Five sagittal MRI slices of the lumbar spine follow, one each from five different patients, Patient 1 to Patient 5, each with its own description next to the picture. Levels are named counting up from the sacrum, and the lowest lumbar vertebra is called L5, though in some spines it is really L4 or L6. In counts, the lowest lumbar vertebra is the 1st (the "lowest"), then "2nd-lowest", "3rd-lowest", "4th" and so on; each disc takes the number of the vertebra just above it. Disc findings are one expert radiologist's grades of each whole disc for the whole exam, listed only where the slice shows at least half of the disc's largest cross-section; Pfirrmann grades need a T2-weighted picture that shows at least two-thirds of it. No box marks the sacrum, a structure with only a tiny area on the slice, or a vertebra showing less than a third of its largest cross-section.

Patient 1 of 5:
Sagittal slice index 8. Sagittal T1-weighted lumbar spine MRI.
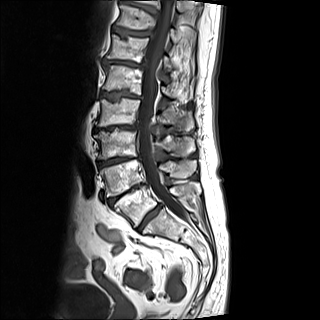 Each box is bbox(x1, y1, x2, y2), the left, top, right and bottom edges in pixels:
8th vertebra: bbox(133, 0, 185, 13)
8th disc: bbox(121, 0, 157, 12)
2nd-lowest vertebra: bbox(100, 159, 196, 196)
5th disc: bbox(101, 90, 142, 101)
lowest vertebra: bbox(114, 181, 200, 227)
6th disc: bbox(103, 59, 145, 68)
lowest disc: bbox(136, 203, 163, 231)
4th vertebra: bbox(95, 98, 194, 130)
spinal canal: bbox(139, 0, 186, 218)
6th vertebra: bbox(106, 34, 194, 71)
5th vertebra: bbox(102, 64, 191, 98)
3rd-lowest vertebra: bbox(94, 128, 195, 159)
7th disc: bbox(113, 26, 149, 37)
4th disc: bbox(93, 124, 138, 132)
2nd-lowest disc: bbox(108, 184, 147, 202)
3rd-lowest disc: bbox(97, 157, 138, 167)
7th vertebra: bbox(116, 2, 179, 42)

Degenerative findings by level:
  4th disc: Modic type II, disc narrowing, upper-endplate change, lower-endplate change, disc bulging
  5th disc: disc bulging, lower-endplate change, upper-endplate change, Modic type II, disc narrowing
  8th disc: disc bulging
  7th disc: lower-endplate change, Modic type II, disc bulging, upper-endplate change
  lowest disc: upper-endplate change, Modic type II, lower-endplate change, disc bulging, disc narrowing
  6th disc: disc bulging, upper-endplate change, lower-endplate change, disc narrowing, Modic type II
  3rd-lowest disc: upper-endplate change, disc narrowing, lower-endplate change, disc bulging, Modic type II
  2nd-lowest disc: upper-endplate change, disc narrowing, Modic type II, lower-endplate change, disc bulging

Patient 2 of 5:
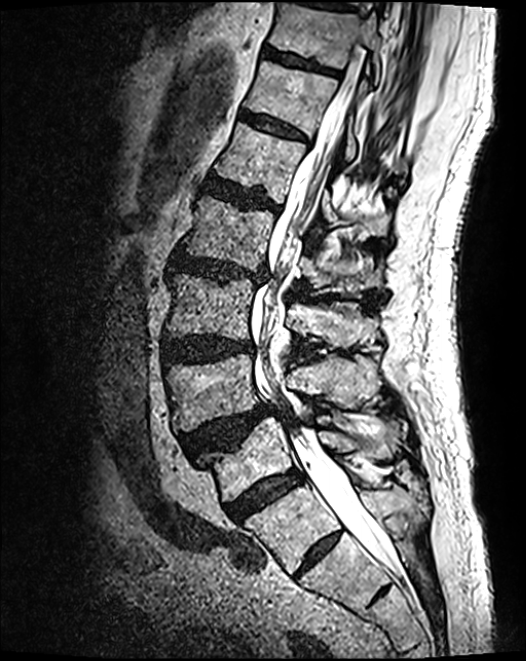 Lumbar spine MR, T2 SPACE (3D), sagittal
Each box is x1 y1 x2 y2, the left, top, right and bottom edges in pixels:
7th disc at 262 48 337 74.
5th vertebra at 216 124 390 238.
4th vertebra at 181 196 384 298.
Thecal sac / spinal canal at 251 44 394 567.
Lowest disc at 227 471 302 521.
2nd-lowest vertebra at 165 356 379 433.
5th disc at 203 177 281 212.
6th vertebra at 246 61 405 174.
6th disc at 239 112 306 141.
4th disc at 170 253 267 283.
3rd-lowest vertebra at 164 274 377 348.
Lowest vertebra at 201 418 403 502.
2nd-lowest disc at 181 405 275 459.
7th vertebra at 268 3 381 85.
3rd-lowest disc at 161 337 254 364.

Per-level radiological findings:
- 7th disc: Pfirrmann grade 3, lower-endplate change
- lowest disc: Pfirrmann grade 4
- 2nd-lowest disc: Pfirrmann grade 4, disc herniation, upper-endplate change, spondylolisthesis
- 6th disc: Pfirrmann grade 3
- 3rd-lowest disc: Pfirrmann grade 4, disc bulging
- 5th disc: Pfirrmann grade 4, lower-endplate change, upper-endplate change, disc bulging
- 4th disc: Pfirrmann grade 4, upper-endplate change, lower-endplate change, disc bulging, disc narrowing

Patient 3 of 5:
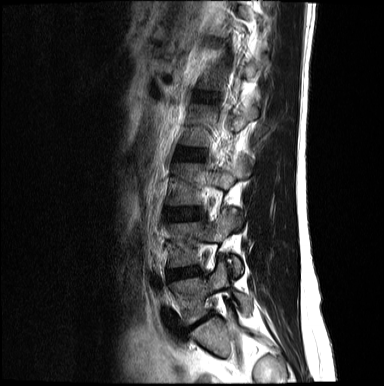 Slice 13/17. Lumbar spine MR, T2-weighted, sagittal. Field of view 260x262 mm.

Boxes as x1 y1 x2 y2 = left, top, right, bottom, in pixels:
Intervertebral disc L4/L5: 168 267 201 279.
L3/L4: 168 208 202 220.
L3 vertebra: 168 157 249 205.
L4: 169 209 241 274.
L5 vertebra: 170 262 252 324.

Radiological gradings:
- L3/L4: no herniation, bulging, narrowing, spondylolisthesis, endplate or Modic change recorded

Patient 4 of 5:
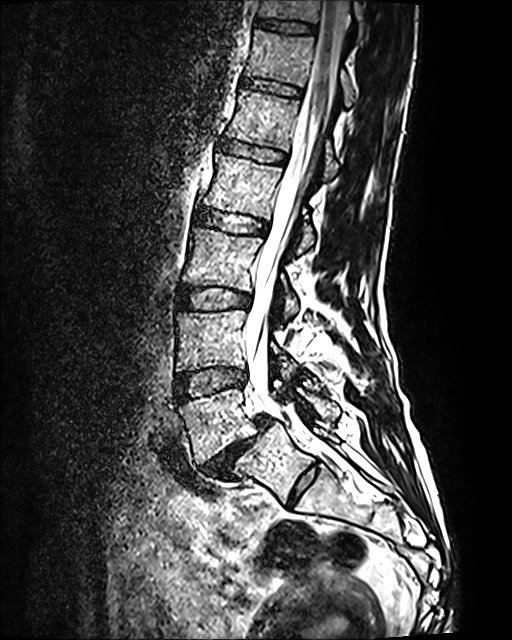 Sagittal slice index 54 | 512x640 px | Sagittal T2 SPACE (3D) lumbar spine MRI
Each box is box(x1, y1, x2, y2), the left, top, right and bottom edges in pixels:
T12/L1 = box(242, 78, 299, 96).
L3 vertebra = box(183, 226, 299, 317).
L2 vertebra = box(203, 154, 313, 252).
L4 = box(177, 310, 295, 378).
L5 = box(179, 388, 340, 462).
L4/L5 = box(174, 367, 245, 401).
Disc T11/T12 = box(256, 19, 314, 32).
Disc L1/L2 = box(220, 141, 284, 163).
L3/L4 = box(177, 287, 250, 309).
T12 vertebra = box(245, 31, 355, 106).
L5/S1 = box(202, 416, 271, 478).
Disc L2/L3 = box(195, 209, 267, 233).
L1 vertebra = box(227, 89, 338, 179).
T11 = box(259, 0, 365, 37).
Spinal canal = box(244, 0, 349, 440).

Radiological gradings:
  T12/L1: Pfirrmann grade 2
  L2/L3: Pfirrmann grade 2
  L3/L4: Pfirrmann grade 2
  L1/L2: Pfirrmann grade 2
  L5/S1: Pfirrmann grade 5, disc narrowing, spondylolisthesis, disc bulging, Modic type II
  L4/L5: Pfirrmann grade 2
  T11/T12: Pfirrmann grade 2

Patient 5 of 5:
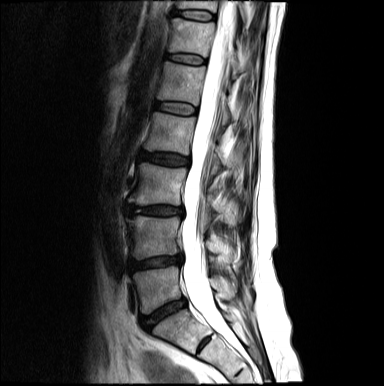

Lumbar spine MR, T2-weighted, sagittal | Slice 10/16
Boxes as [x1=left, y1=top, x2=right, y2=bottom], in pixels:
6th vertebra: [x1=169, y1=18, x2=245, y2=77].
3rd-lowest vertebra: [x1=128, y1=163, x2=242, y2=223].
7th vertebra: [x1=177, y1=0, x2=246, y2=22].
2nd-lowest disc: [x1=129, y1=254, x2=182, y2=269].
5th vertebra: [x1=157, y1=62, x2=235, y2=124].
Thecal sac / spinal canal: [x1=181, y1=1, x2=236, y2=347].
6th disc: [x1=168, y1=54, x2=206, y2=64].
4th disc: [x1=140, y1=151, x2=189, y2=165].
4th vertebra: [x1=144, y1=112, x2=225, y2=173].
Lowest disc: [x1=141, y1=299, x2=185, y2=329].
Lowest vertebra: [x1=133, y1=266, x2=235, y2=313].
5th disc: [x1=155, y1=102, x2=196, y2=115].
2nd-lowest vertebra: [x1=126, y1=216, x2=233, y2=262].
7th disc: [x1=175, y1=10, x2=215, y2=21].
3rd-lowest disc: [x1=126, y1=205, x2=183, y2=215].

Per-level radiological findings:
- 3rd-lowest disc: Pfirrmann grade 4, disc bulging, lower-endplate change, upper-endplate change, disc narrowing
- 4th disc: Pfirrmann grade 3, disc bulging
- lowest disc: Pfirrmann grade 4, disc narrowing, disc bulging
- 6th disc: Pfirrmann grade 2
- 2nd-lowest disc: Pfirrmann grade 4, disc herniation, disc narrowing, disc bulging
- 7th disc: Pfirrmann grade 2
- 5th disc: Pfirrmann grade 2